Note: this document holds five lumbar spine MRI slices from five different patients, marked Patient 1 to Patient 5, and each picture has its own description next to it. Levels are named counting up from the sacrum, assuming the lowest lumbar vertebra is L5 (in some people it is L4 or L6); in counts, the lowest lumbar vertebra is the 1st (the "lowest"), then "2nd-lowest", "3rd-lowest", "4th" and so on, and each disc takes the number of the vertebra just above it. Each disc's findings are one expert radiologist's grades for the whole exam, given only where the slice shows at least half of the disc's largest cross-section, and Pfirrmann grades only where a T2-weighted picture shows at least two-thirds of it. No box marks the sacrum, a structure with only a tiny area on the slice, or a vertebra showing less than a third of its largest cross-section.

Patient 1 of 5:
T2 SPACE (3D) sagittal MRI of the lumbar spine.
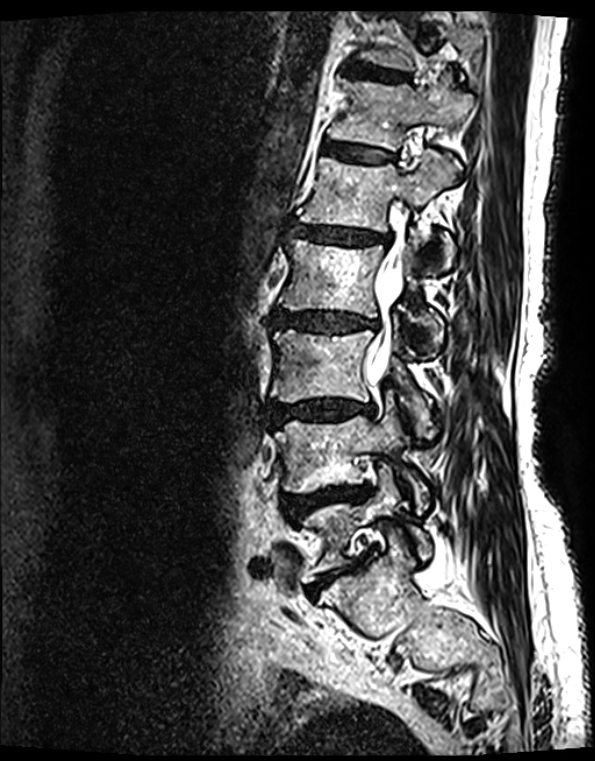
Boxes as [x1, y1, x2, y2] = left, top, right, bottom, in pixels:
Annotations:
• 3rd-lowest vertebra — [270, 330, 433, 438]
• 5th vertebra — [295, 150, 454, 266]
• lowest disc — [308, 559, 363, 594]
• 2nd-lowest vertebra — [274, 397, 426, 512]
• 4th disc — [272, 312, 375, 332]
• spinal canal — [367, 199, 406, 381]
• 6th disc — [322, 144, 391, 163]
• lowest vertebra — [298, 468, 430, 582]
• 4th vertebra — [278, 240, 443, 355]
• 7th disc — [349, 65, 408, 82]
• 7th vertebra — [356, 13, 483, 71]
• 3rd-lowest disc — [274, 400, 372, 423]
• 2nd-lowest disc — [285, 489, 358, 521]
• 5th disc — [291, 225, 378, 244]
• 6th vertebra — [328, 74, 473, 150]

Radiological gradings:
• 7th disc: upper-endplate change, Modic type II, lower-endplate change
• 2nd-lowest disc: upper-endplate change, disc bulging, lower-endplate change, disc narrowing, disc herniation, Modic type II
• 3rd-lowest disc: Pfirrmann grade 4, Modic type II, upper-endplate change, disc bulging, disc narrowing, lower-endplate change
• 6th disc: Pfirrmann grade 2, lower-endplate change, Modic type II, upper-endplate change
• 4th disc: Pfirrmann grade 4, disc narrowing, upper-endplate change, disc bulging, Modic type II, lower-endplate change
• 5th disc: Pfirrmann grade 4, lower-endplate change, disc narrowing, disc bulging, upper-endplate change, Modic type II

Patient 2 of 5:
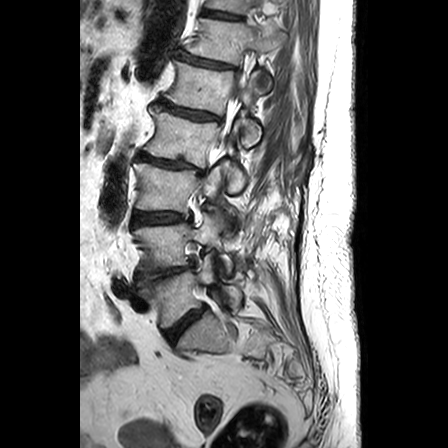 Slice 17 of 24. Lumbar spine MR, T2-weighted, sagittal.

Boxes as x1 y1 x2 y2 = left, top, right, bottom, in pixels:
6th disc: 176 54 232 68
4th vertebra: 144 110 246 191
3rd-lowest vertebra: 134 163 235 229
2nd-lowest vertebra: 133 214 233 273
lowest disc: 164 307 205 344
5th disc: 158 103 219 120
7th disc: 201 10 240 19
5th vertebra: 165 61 261 146
2nd-lowest disc: 136 263 193 283
6th vertebra: 186 18 285 91
3rd-lowest disc: 132 211 189 224
4th disc: 136 152 204 174
lowest vertebra: 140 250 242 329
7th vertebra: 206 0 252 13

Radiological gradings:
  5th disc: Pfirrmann grade 3, disc narrowing, Modic type II
  lowest disc: disc bulging
  2nd-lowest disc: Pfirrmann grade 4, disc bulging, disc narrowing
  6th disc: Pfirrmann grade 3, disc narrowing
  3rd-lowest disc: Pfirrmann grade 3, disc bulging
  4th disc: Pfirrmann grade 5, Modic type II, disc narrowing, spondylolisthesis, disc bulging
  7th disc: no spondylolisthesis, narrowing, bulging, herniation, Modic or endplate change recorded

Patient 3 of 5:
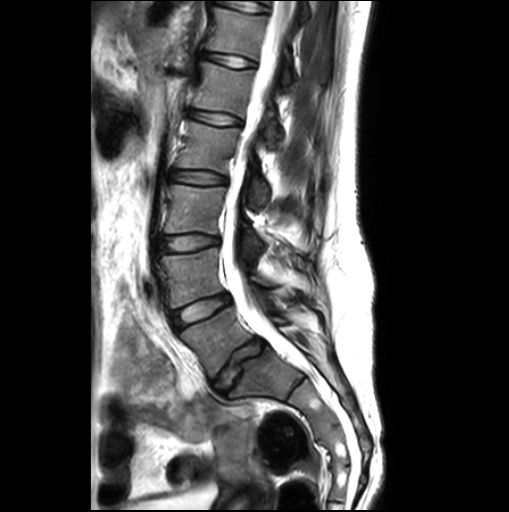

Lumbar spine MR, T2-weighted, sagittal
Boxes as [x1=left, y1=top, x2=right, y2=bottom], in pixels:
6th disc = [x1=204, y1=52, x2=255, y2=67].
2nd-lowest vertebra = [x1=161, y1=248, x2=270, y2=307].
4th disc = [x1=168, y1=169, x2=226, y2=184].
6th vertebra = [x1=208, y1=8, x2=291, y2=86].
5th vertebra = [x1=194, y1=62, x2=283, y2=145].
5th disc = [x1=190, y1=110, x2=240, y2=125].
4th vertebra = [x1=177, y1=122, x2=268, y2=210].
3rd-lowest disc = [x1=158, y1=234, x2=217, y2=253].
Lowest vertebra = [x1=181, y1=307, x2=289, y2=377].
2nd-lowest disc = [x1=172, y1=294, x2=229, y2=330].
Lowest disc = [x1=214, y1=338, x2=265, y2=393].
Spinal canal = [x1=223, y1=1, x2=296, y2=356].
3rd-lowest vertebra = [x1=165, y1=184, x2=262, y2=249].

Radiological gradings:
- 5th disc: Pfirrmann grade 1
- 6th disc: Pfirrmann grade 1
- lowest disc: Pfirrmann grade 3, lower-endplate change, disc bulging, upper-endplate change
- 2nd-lowest disc: Pfirrmann grade 1, disc bulging
- 4th disc: Pfirrmann grade 1
- 3rd-lowest disc: Pfirrmann grade 1, disc bulging

Patient 4 of 5:
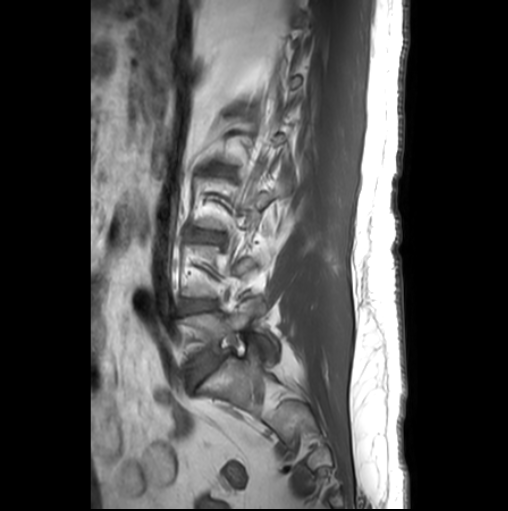
Patient sex: M | 508x511 px | T1-weighted sagittal MRI of the lumbar spine

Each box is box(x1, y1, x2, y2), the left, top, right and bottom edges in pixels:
L5 vertebra: box(184, 297, 262, 366).
L5/S1: box(187, 359, 221, 387).
L4/L5: box(182, 300, 216, 311).
L3/L4: box(193, 230, 223, 240).

Patient 5 of 5:
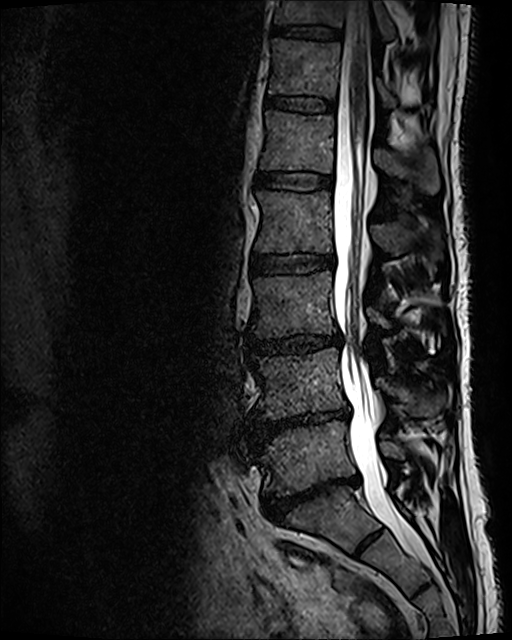 Slice 58/120, Lumbar spine MR, T2 SPACE (3D), sagittal, Image 512x640
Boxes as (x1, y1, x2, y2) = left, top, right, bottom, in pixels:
Annotations:
* T11/T12: (269, 25, 339, 39)
* T12 vertebra: (269, 39, 395, 104)
* T12/L1: (266, 96, 334, 111)
* IVD L4/L5: (253, 407, 349, 444)
* L2 vertebra: (255, 190, 441, 267)
* L1 vertebra: (260, 111, 439, 193)
* L1/L2: (257, 172, 332, 190)
* L4 vertebra: (253, 348, 445, 419)
* L3 vertebra: (251, 271, 389, 337)
* thecal sac / spinal canal: (333, 1, 431, 568)
* T11 vertebra: (274, 0, 397, 42)
* L5: (257, 421, 404, 495)
* IVD L3/L4: (248, 335, 341, 353)
* L2/L3: (253, 254, 333, 273)
* IVD L5/S1: (261, 475, 359, 520)

Expert MSK radiologist gradings (per disc):
- L1/L2: Pfirrmann grade 2
- L3/L4: Pfirrmann grade 3, disc narrowing, disc bulging
- L4/L5: Pfirrmann grade 5, Modic type II, disc bulging, lower-endplate change, disc narrowing
- T11/T12: Pfirrmann grade 2
- L2/L3: Pfirrmann grade 2
- L5/S1: Pfirrmann grade 5, disc narrowing, lower-endplate change, spondylolisthesis, disc bulging
- T12/L1: Pfirrmann grade 2